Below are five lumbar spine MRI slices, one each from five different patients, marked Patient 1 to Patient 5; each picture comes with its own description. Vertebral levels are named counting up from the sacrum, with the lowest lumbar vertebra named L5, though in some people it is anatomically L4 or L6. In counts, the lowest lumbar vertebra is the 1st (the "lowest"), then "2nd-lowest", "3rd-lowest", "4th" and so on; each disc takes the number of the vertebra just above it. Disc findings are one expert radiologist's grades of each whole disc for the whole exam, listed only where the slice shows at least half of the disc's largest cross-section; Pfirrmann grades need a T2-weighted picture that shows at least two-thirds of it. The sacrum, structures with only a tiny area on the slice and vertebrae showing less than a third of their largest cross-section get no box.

Patient 1 of 5:
Lumbar spine MR, T2-weighted, sagittal | Field of view 280x282 mm, slice spacing 3.3 mm | Sagittal slice index 15 | 528x531 px
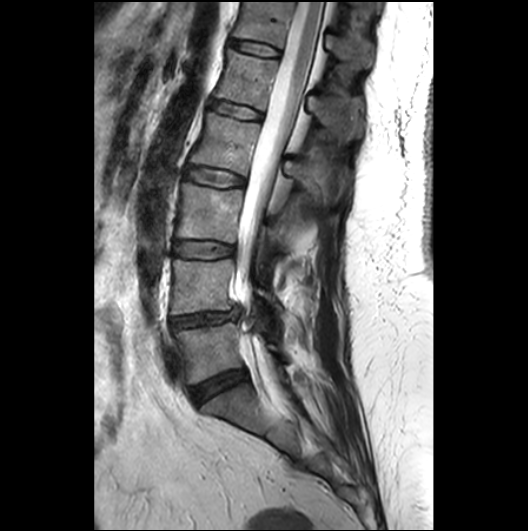
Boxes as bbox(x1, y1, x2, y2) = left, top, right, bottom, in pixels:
Lowest vertebra: bbox(175, 322, 279, 383).
5th disc: bbox(208, 100, 263, 119).
3rd-lowest disc: bbox(175, 241, 235, 258).
5th vertebra: bbox(214, 48, 363, 140).
2nd-lowest vertebra: bbox(171, 259, 280, 314).
3rd-lowest vertebra: bbox(177, 183, 285, 249).
4th vertebra: bbox(191, 112, 332, 198).
2nd-lowest disc: bbox(168, 307, 238, 329).
4th disc: bbox(185, 166, 244, 187).
Lowest disc: bbox(191, 369, 245, 404).
6th vertebra: bbox(233, 1, 372, 67).
Spinal canal: bbox(237, 2, 323, 370).
6th disc: bbox(230, 39, 279, 55).

Degenerative findings by level:
- 6th disc: Pfirrmann grade 2
- 3rd-lowest disc: Pfirrmann grade 2
- 4th disc: Pfirrmann grade 2
- 2nd-lowest disc: Pfirrmann grade 3, disc narrowing, disc herniation
- 5th disc: Pfirrmann grade 2
- lowest disc: Pfirrmann grade 3

Patient 2 of 5:
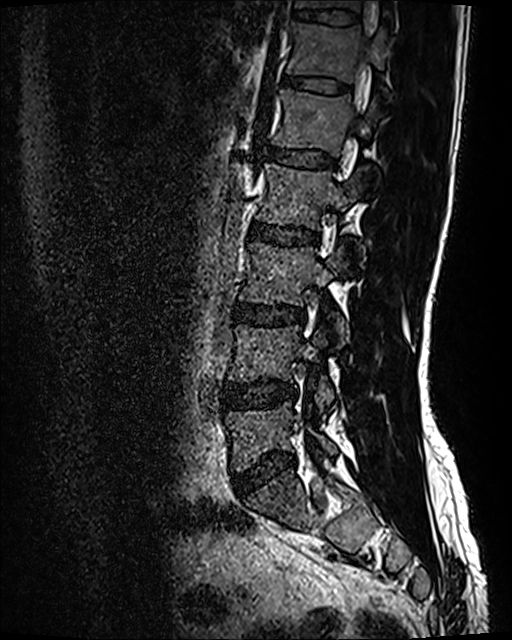 512x640 px; T2 SPACE (3D) sagittal MRI of the lumbar spine
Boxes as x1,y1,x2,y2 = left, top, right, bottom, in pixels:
{"5th vertebra": "272,89,378,156", "2nd-lowest vertebra": "228,326,333,413", "5th disc": "266,146,334,167", "3rd-lowest vertebra": "240,241,349,344", "7th disc": "292,9,358,25", "4th vertebra": "256,163,363,229", "2nd-lowest disc": "225,379,296,407", "6th disc": "283,74,349,92", "lowest vertebra": "226,402,336,471", "7th vertebra": "295,0,387,11", "4th disc": "250,222,317,245", "lowest disc": "234,453,294,495", "6th vertebra": "286,22,389,83", "3rd-lowest disc": "234,304,303,325"}

Expert MSK radiologist gradings (per disc):
- 6th disc: Pfirrmann grade 2
- lowest disc: Pfirrmann grade 2, disc bulging
- 4th disc: Pfirrmann grade 2
- 2nd-lowest disc: Pfirrmann grade 2, disc bulging
- 5th disc: Pfirrmann grade 2
- 7th disc: Pfirrmann grade 2
- 3rd-lowest disc: Pfirrmann grade 2, disc bulging

Patient 3 of 5:
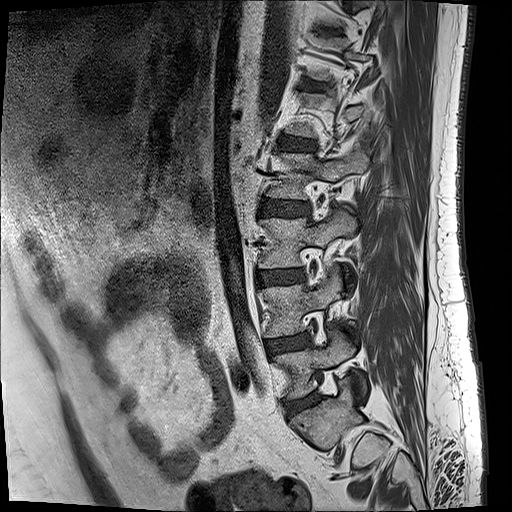 Slice 16/17 | Patient sex: M | T1-weighted sagittal MRI of the lumbar spine
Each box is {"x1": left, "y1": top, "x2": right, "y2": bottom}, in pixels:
Structures:
* 3rd-lowest disc at {"x1": 259, "y1": 271, "x2": 301, "y2": 284}
* lowest vertebra at {"x1": 275, "y1": 327, "x2": 354, "y2": 398}
* 2nd-lowest vertebra at {"x1": 263, "y1": 266, "x2": 341, "y2": 337}
* lowest disc at {"x1": 283, "y1": 392, "x2": 319, "y2": 418}
* 6th disc at {"x1": 300, "y1": 81, "x2": 325, "y2": 90}
* 2nd-lowest disc at {"x1": 266, "y1": 337, "x2": 309, "y2": 355}
* 7th disc at {"x1": 320, "y1": 28, "x2": 341, "y2": 34}
* 5th disc at {"x1": 277, "y1": 136, "x2": 315, "y2": 150}
* 3rd-lowest vertebra at {"x1": 259, "y1": 211, "x2": 357, "y2": 278}
* 4th vertebra at {"x1": 266, "y1": 150, "x2": 368, "y2": 198}
* 4th disc at {"x1": 262, "y1": 199, "x2": 307, "y2": 215}

Expert MSK radiologist gradings (per disc):
• 3rd-lowest disc: Modic type II, disc bulging
• 4th disc: disc bulging
• 2nd-lowest disc: disc bulging, Modic type II
• 5th disc: disc bulging

Patient 4 of 5:
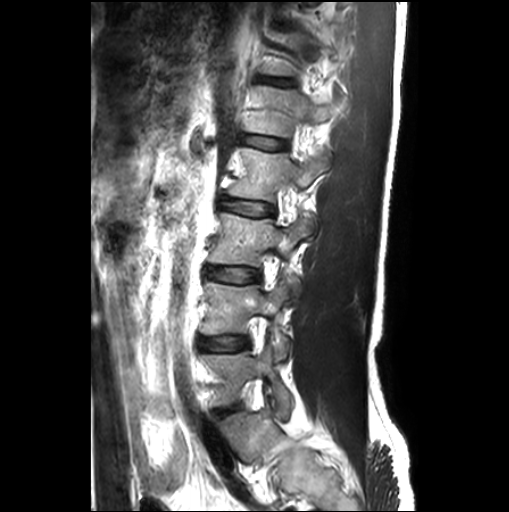 Sagittal T2-weighted lumbar spine MRI. 509x512 px.
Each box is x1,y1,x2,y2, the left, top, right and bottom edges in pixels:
T11/T12 at 280,23,295,26; L4 at 200,279,291,358; L2/L3 at 221,198,273,215; L5 at 200,340,290,419; L1 vertebra at 243,85,336,137; disc L4/L5 at 199,336,248,351; T12 at 259,30,336,75; L1/L2 at 242,136,287,149; L2 at 227,147,331,203; T12/L1 at 259,77,295,85; L3/L4 at 205,266,259,282; L3 vertebra at 208,210,313,296.

Radiological gradings:
• L1/L2: Pfirrmann grade 1, Modic type II
• L3/L4: Pfirrmann grade 1
• L2/L3: Pfirrmann grade 1
• L4/L5: Pfirrmann grade 1

Patient 5 of 5:
Slice 9/20. Sagittal T1-weighted lumbar spine MRI. Field of view 310x309 mm. 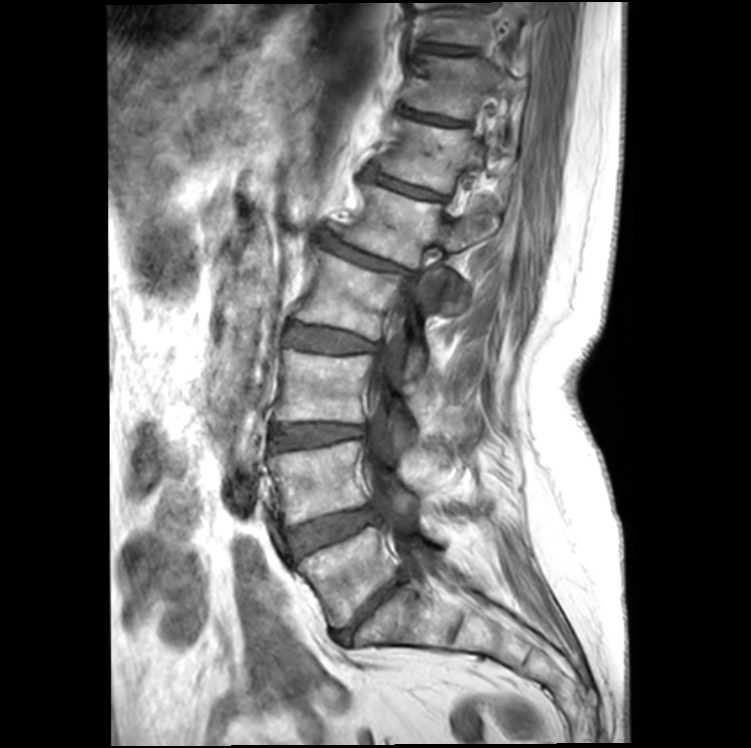 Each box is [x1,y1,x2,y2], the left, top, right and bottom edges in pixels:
* L1 vertebra — [332,184,497,368]
* thecal sac / spinal canal — [368,350,423,561]
* intervertebral disc L1/L2 — [322,234,413,277]
* T10 — [427,3,525,57]
* L5/S1 — [333,574,405,644]
* T11 — [408,55,515,119]
* L3 — [275,349,416,441]
* T10/T11 — [419,42,471,54]
* L4 vertebra — [269,440,430,526]
* intervertebral disc L2/L3 — [286,322,380,352]
* L5 vertebra — [298,526,448,627]
* L3/L4 — [272,424,364,449]
* L2 vertebra — [295,248,449,377]
* T12/L1 — [364,167,440,199]
* T12 vertebra — [380,120,486,193]
* intervertebral disc L4/L5 — [289,506,379,558]
* intervertebral disc T11/T12 — [406,112,461,125]

Per-level radiological findings:
- L5/S1: disc narrowing, upper-endplate change, lower-endplate change, disc bulging
- L3/L4: Modic type II, disc narrowing, disc bulging
- T11/T12: Modic type II, upper-endplate change, disc narrowing, lower-endplate change
- L2/L3: Modic type II, disc bulging
- L1/L2: Modic type II, disc bulging, lower-endplate change, disc narrowing, upper-endplate change, spondylolisthesis
- T12/L1: upper-endplate change, Modic type II, disc narrowing, lower-endplate change
- T10/T11: lower-endplate change
- L4/L5: disc bulging, Modic type II